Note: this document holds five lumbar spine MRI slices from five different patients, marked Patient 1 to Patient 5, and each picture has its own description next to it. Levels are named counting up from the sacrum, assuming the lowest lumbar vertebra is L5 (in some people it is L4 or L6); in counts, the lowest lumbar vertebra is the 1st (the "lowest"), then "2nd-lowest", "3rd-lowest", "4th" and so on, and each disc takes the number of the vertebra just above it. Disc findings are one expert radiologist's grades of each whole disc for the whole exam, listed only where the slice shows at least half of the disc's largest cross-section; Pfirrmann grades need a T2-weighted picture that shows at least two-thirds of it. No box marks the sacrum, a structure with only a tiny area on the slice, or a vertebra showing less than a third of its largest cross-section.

Patient 1 of 5:
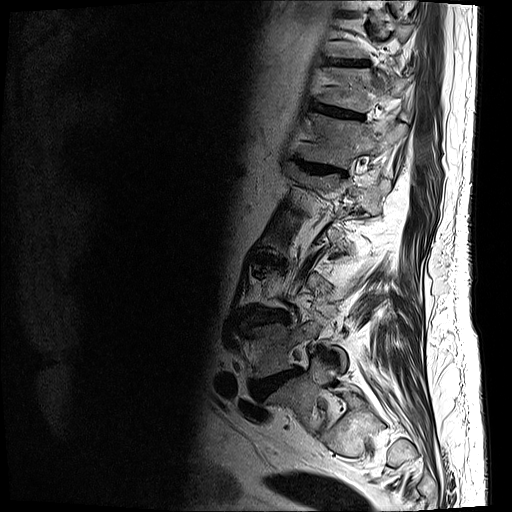
T2-weighted sagittal MRI of the lumbar spine, 512x512 px, Sagittal slice index 17
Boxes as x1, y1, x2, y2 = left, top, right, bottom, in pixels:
Lowest vertebra at 265, 357, 359, 431.
7th disc at 314, 104, 362, 118.
7th vertebra at 318, 66, 408, 112.
3rd-lowest disc at 247, 308, 288, 324.
2nd-lowest vertebra at 250, 305, 346, 378.
2nd-lowest disc at 252, 369, 299, 398.
6th disc at 293, 156, 345, 174.
6th vertebra at 298, 112, 407, 168.
8th disc at 326, 59, 368, 66.
5th vertebra at 284, 161, 390, 204.

Per-level radiological findings:
• 3rd-lowest disc: upper-endplate change, lower-endplate change, disc narrowing, disc bulging
• 2nd-lowest disc: Pfirrmann grade 5, disc narrowing, lower-endplate change, upper-endplate change, disc herniation, disc bulging, Modic type II
• 7th disc: disc bulging, upper-endplate change, disc narrowing, lower-endplate change

Patient 2 of 5:
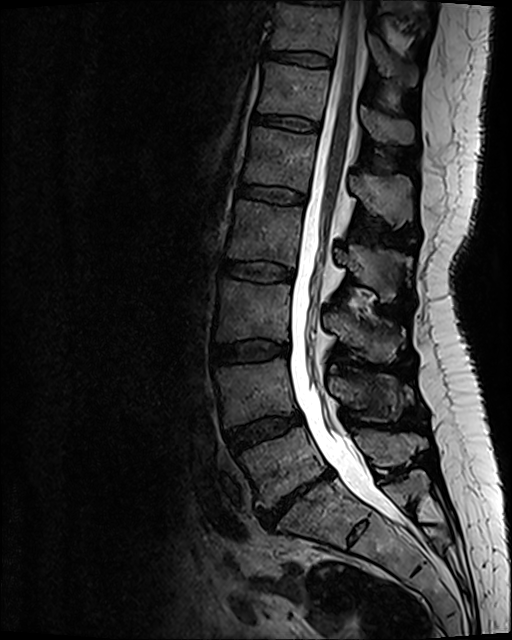 Lumbar spine MR, T2 SPACE (3D), sagittal, Sex F, Image 512x640

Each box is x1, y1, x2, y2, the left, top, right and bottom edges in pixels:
T12 at 259, 63, 413, 143.
L1 vertebra at 244, 128, 412, 227.
L3/L4 at 212, 340, 288, 364.
L5 at 240, 427, 425, 507.
L2 vertebra at 227, 201, 401, 301.
L4/L5 at 226, 412, 301, 451.
L1/L2 at 238, 184, 305, 204.
T11/T12 at 267, 51, 329, 65.
L2/L3 at 219, 260, 293, 280.
T11 at 271, 3, 415, 84.
L5/S1 at 256, 470, 331, 526.
Thecal sac / spinal canal at 290, 1, 403, 524.
T12/L1 at 254, 114, 318, 131.
L4 vertebra at 216, 358, 411, 425.
L3 at 216, 281, 400, 361.

Degenerative findings by level:
• T12/L1: Pfirrmann grade 2
• L4/L5: Pfirrmann grade 3, disc bulging
• L2/L3: Pfirrmann grade 2
• L5/S1: Pfirrmann grade 5, disc narrowing, disc herniation, Modic type III, lower-endplate change, disc bulging, upper-endplate change
• T11/T12: Pfirrmann grade 2
• L1/L2: Pfirrmann grade 2
• L3/L4: Pfirrmann grade 2, disc bulging

Patient 3 of 5:
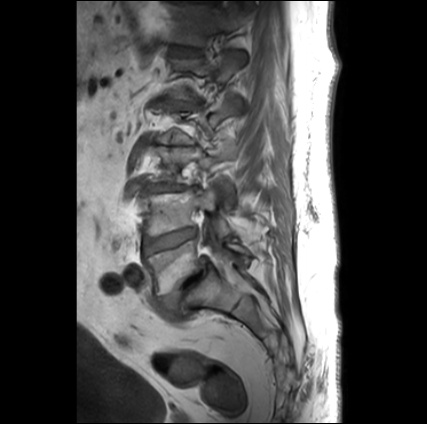 427x424 px, Sagittal slice index 19, Sex M, Sagittal T1-weighted lumbar spine MRI
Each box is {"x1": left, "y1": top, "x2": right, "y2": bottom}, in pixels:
IVD T12/L1 (6th disc): {"x1": 171, "y1": 46, "x2": 201, "y2": 54}
L4/L5 (2nd-lowest disc): {"x1": 143, "y1": 229, "x2": 195, "y2": 254}
L3 (3rd-lowest vertebra): {"x1": 149, "y1": 143, "x2": 236, "y2": 184}
L3/L4 (3rd-lowest disc): {"x1": 143, "y1": 183, "x2": 198, "y2": 192}
L5/S1 (lowest disc): {"x1": 160, "y1": 257, "x2": 207, "y2": 316}
L4 (2nd-lowest vertebra): {"x1": 139, "y1": 186, "x2": 230, "y2": 236}
L1 (5th vertebra): {"x1": 171, "y1": 51, "x2": 242, "y2": 97}
L5 (lowest vertebra): {"x1": 144, "y1": 239, "x2": 248, "y2": 295}
T12 (6th vertebra): {"x1": 168, "y1": 1, "x2": 243, "y2": 45}

Expert MSK radiologist gradings (per disc):
• L4/L5 (2nd-lowest disc): Modic type II
• L3/L4 (3rd-lowest disc): disc narrowing, lower-endplate change, Modic type II, disc bulging, upper-endplate change
• L5/S1 (lowest disc): upper-endplate change, Modic type II, disc narrowing, disc bulging, lower-endplate change, spondylolisthesis
• T12/L1 (6th disc): no spondylolisthesis, narrowing, bulging, herniation, Modic or endplate change recorded

Patient 4 of 5:
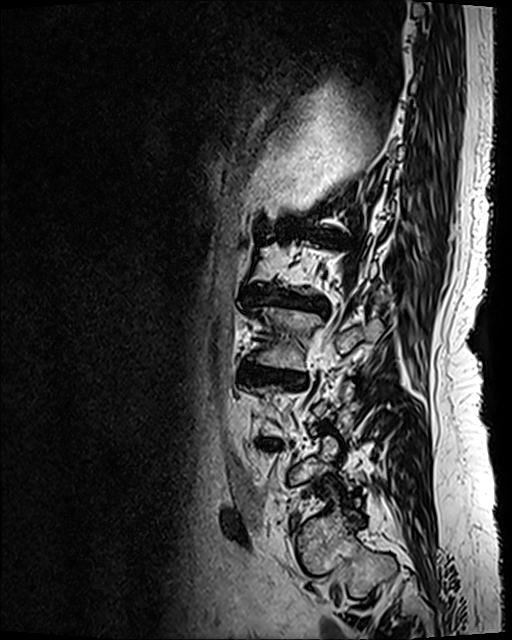
MRI lumbar spine (T2 SPACE (3D)), sagittal plane | Slice 90/120 | Slice spacing 0.9 mm
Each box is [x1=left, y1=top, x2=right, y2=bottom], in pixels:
- L1/L2: [x1=315, y1=233, x2=329, y2=238]
- IVD L2/L3: [x1=252, y1=289, x2=327, y2=315]
- IVD L3/L4: [x1=240, y1=366, x2=304, y2=386]
- L3: [x1=252, y1=307, x2=382, y2=369]

Degenerative findings by level:
- L3/L4: Pfirrmann grade 5, upper-endplate change, lower-endplate change, disc narrowing, Modic type II, disc bulging
- L2/L3: Pfirrmann grade 5, lower-endplate change, upper-endplate change, disc narrowing, Modic type II, disc bulging

Patient 5 of 5:
Sagittal T1-weighted lumbar spine MRI, Sex M, Slice 20 of 25
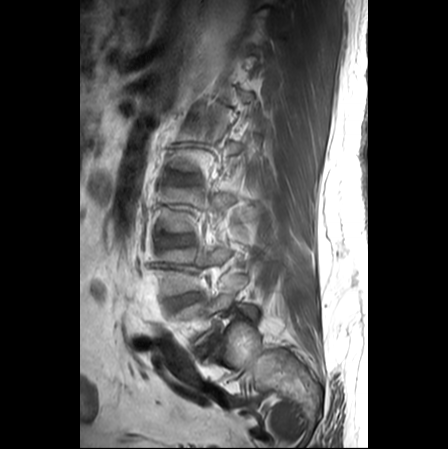

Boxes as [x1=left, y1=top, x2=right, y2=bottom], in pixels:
L5 at [x1=173, y1=275, x2=258, y2=347], L4 at [x1=160, y1=243, x2=233, y2=295], intervertebral disc L5/S1 at [x1=198, y1=340, x2=212, y2=356], L2/L3 at [x1=170, y1=174, x2=194, y2=185], intervertebral disc L4/L5 at [x1=167, y1=293, x2=200, y2=309], L3 vertebra at [x1=158, y1=187, x2=232, y2=231], intervertebral disc L3/L4 at [x1=160, y1=235, x2=192, y2=245].

Expert MSK radiologist gradings (per disc):
- L3/L4: no spondylolisthesis, narrowing, bulging, herniation, Modic or endplate change recorded